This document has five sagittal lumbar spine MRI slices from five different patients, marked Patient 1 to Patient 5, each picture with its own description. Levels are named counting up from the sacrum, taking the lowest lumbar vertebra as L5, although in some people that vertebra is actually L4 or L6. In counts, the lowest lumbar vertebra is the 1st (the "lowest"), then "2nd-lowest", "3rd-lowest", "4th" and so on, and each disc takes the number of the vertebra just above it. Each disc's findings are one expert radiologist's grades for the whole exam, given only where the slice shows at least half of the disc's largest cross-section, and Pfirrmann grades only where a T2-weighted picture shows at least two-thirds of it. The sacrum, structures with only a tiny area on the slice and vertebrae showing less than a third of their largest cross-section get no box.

Patient 1 of 5:
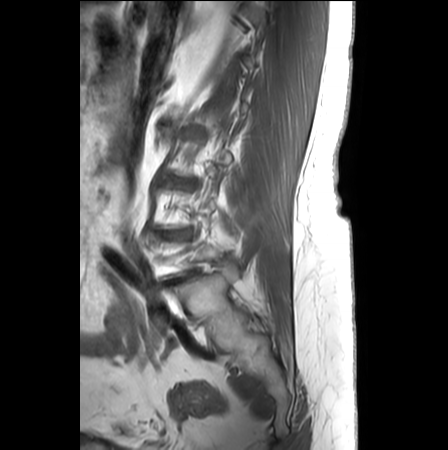

MRI lumbar spine (T1-weighted), sagittal plane. Field of view 280x281 mm.
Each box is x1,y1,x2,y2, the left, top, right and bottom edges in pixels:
IVD L5/S1 = 170,271,194,282.
IVD L4/L5 = 163,229,190,239.
IVD L3/L4 = 168,177,194,190.

Radiological gradings:
• L3/L4: lower-endplate change, disc narrowing, upper-endplate change, Modic type II, disc bulging

Patient 2 of 5:
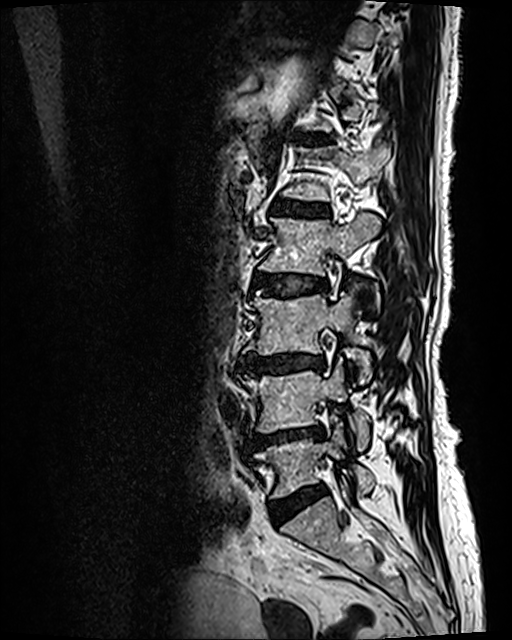 Slice 43/120 | MRI lumbar spine (T2 SPACE (3D)), sagittal plane
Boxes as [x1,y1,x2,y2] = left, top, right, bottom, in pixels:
4th vertebra: [259,215,380,275]
5th disc: [274,199,328,216]
2nd-lowest vertebra: [238,357,368,450]
4th disc: [256,273,327,295]
lowest vertebra: [256,421,374,498]
3rd-lowest disc: [239,354,324,374]
6th disc: [295,134,328,143]
lowest disc: [272,485,325,524]
3rd-lowest vertebra: [244,288,372,383]
5th vertebra: [283,145,389,200]
2nd-lowest disc: [246,427,324,450]

Per-level radiological findings:
  4th disc: Pfirrmann grade 3, disc bulging, lower-endplate change, upper-endplate change, Modic type II
  5th disc: Modic type II, upper-endplate change, lower-endplate change
  3rd-lowest disc: Pfirrmann grade 4, lower-endplate change, Modic type II, disc narrowing, upper-endplate change, disc bulging
  lowest disc: disc bulging
  2nd-lowest disc: upper-endplate change, Modic type II, disc bulging, lower-endplate change, disc narrowing

Patient 3 of 5:
Scanner: Philips Healthcare Ingenia (3T) | Field of view 320x325 mm | Sagittal T2-weighted lumbar spine MRI

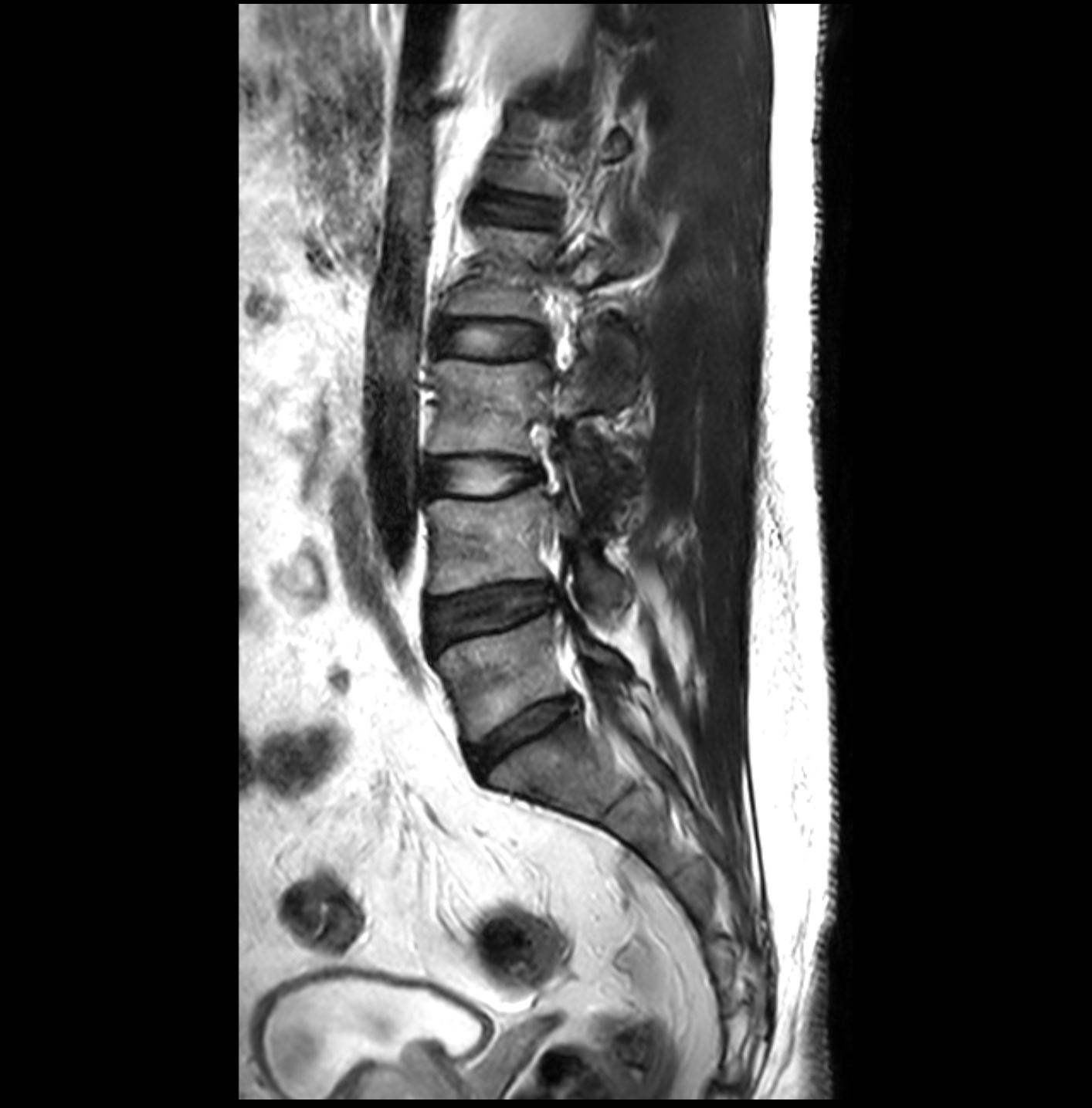 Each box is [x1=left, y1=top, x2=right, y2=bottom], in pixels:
L5: [x1=435, y1=615, x2=622, y2=744]
disc L3/L4: [x1=426, y1=459, x2=540, y2=493]
L5/S1: [x1=469, y1=696, x2=578, y2=774]
L2/L3: [x1=435, y1=322, x2=544, y2=356]
L4: [x1=428, y1=488, x2=629, y2=610]
L3: [x1=428, y1=358, x2=617, y2=502]
L2 vertebra: [x1=447, y1=227, x2=644, y2=321]
disc L4/L5: [x1=428, y1=584, x2=550, y2=647]
L1/L2: [x1=491, y1=201, x2=533, y2=222]

Degenerative findings by level:
• L5/S1: Pfirrmann grade 3
• L2/L3: Pfirrmann grade 1
• L3/L4: Pfirrmann grade 1
• L4/L5: Pfirrmann grade 3, disc herniation

Patient 4 of 5:
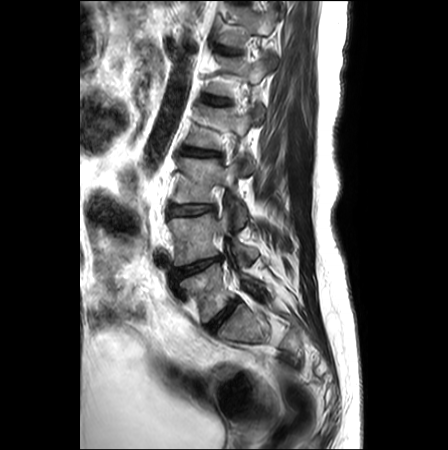 448x450 px | Slice 18/26 | Sagittal T2-weighted lumbar spine MRI

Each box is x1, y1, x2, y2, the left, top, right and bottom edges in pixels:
Structures:
- L3 (3rd-lowest vertebra): 172, 157, 247, 226
- L5/S1 (lowest disc): 206, 300, 239, 331
- T12 (6th vertebra): 219, 5, 276, 63
- L4/L5 (2nd-lowest disc): 173, 257, 220, 279
- disc L2/L3 (4th disc): 181, 148, 219, 157
- T12/L1 (6th disc): 218, 46, 237, 52
- L5 (lowest vertebra): 180, 263, 264, 322
- L4 (2nd-lowest vertebra): 168, 210, 257, 265
- disc L1/L2 (5th disc): 203, 95, 229, 104
- disc L3/L4 (3rd-lowest disc): 169, 205, 214, 215
- L1 (5th vertebra): 207, 57, 268, 117
- L2 (4th vertebra): 186, 105, 255, 172

Per-level radiological findings:
- L4/L5 (2nd-lowest disc): Pfirrmann grade 4, disc herniation, lower-endplate change, disc narrowing, Modic type II, upper-endplate change
- L3/L4 (3rd-lowest disc): Pfirrmann grade 1, disc bulging
- L2/L3 (4th disc): disc bulging
- L5/S1 (lowest disc): no Modic or endplate change, herniation, narrowing, bulging or spondylolisthesis recorded

Patient 5 of 5:
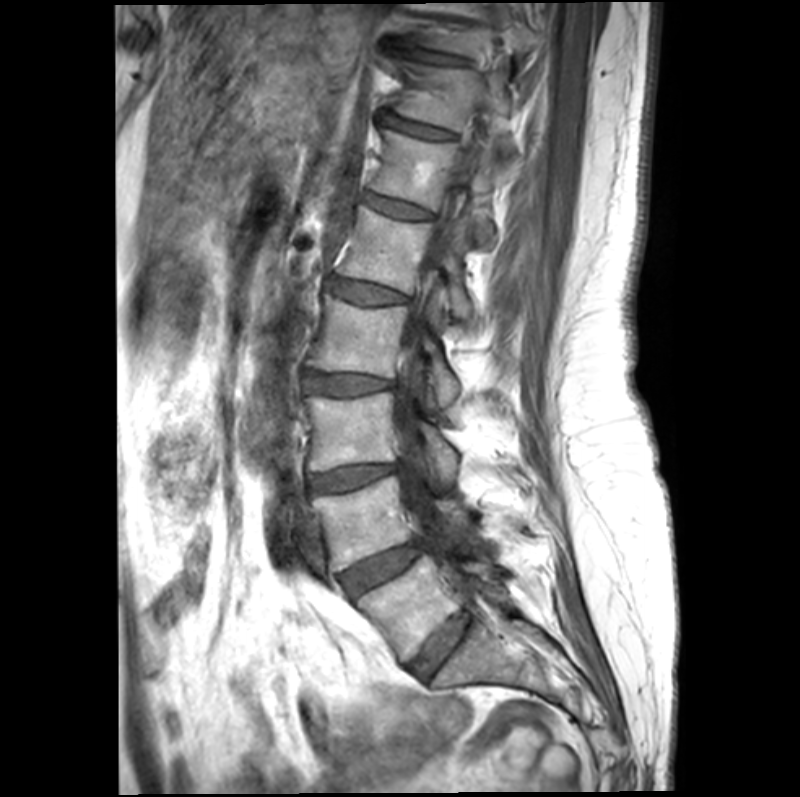 Sagittal slice index 8, MRI lumbar spine (T1-weighted), sagittal plane

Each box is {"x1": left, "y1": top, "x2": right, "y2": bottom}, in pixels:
T11/T12 = {"x1": 382, "y1": 113, "x2": 451, "y2": 140}.
Disc L5/S1 = {"x1": 408, "y1": 613, "x2": 469, "y2": 678}.
T11 vertebra = {"x1": 395, "y1": 62, "x2": 516, "y2": 151}.
Disc L4/L5 = {"x1": 341, "y1": 543, "x2": 423, "y2": 597}.
L2 = {"x1": 307, "y1": 295, "x2": 461, "y2": 408}.
Disc L3/L4 = {"x1": 309, "y1": 464, "x2": 396, "y2": 491}.
Disc T10/T11 = {"x1": 401, "y1": 43, "x2": 465, "y2": 64}.
L5 vertebra = {"x1": 358, "y1": 556, "x2": 501, "y2": 662}.
T12 vertebra = {"x1": 369, "y1": 130, "x2": 516, "y2": 243}.
L1/L2 = {"x1": 328, "y1": 277, "x2": 405, "y2": 304}.
Disc T12/L1 = {"x1": 364, "y1": 192, "x2": 431, "y2": 219}.
Spinal canal = {"x1": 397, "y1": 229, "x2": 452, "y2": 555}.
L1 vertebra = {"x1": 338, "y1": 206, "x2": 474, "y2": 321}.
L4 = {"x1": 312, "y1": 477, "x2": 477, "y2": 572}.
Disc L2/L3 = {"x1": 302, "y1": 370, "x2": 391, "y2": 394}.
L3 vertebra = {"x1": 306, "y1": 392, "x2": 457, "y2": 482}.

Expert MSK radiologist gradings (per disc):
  L4/L5: Modic type II
  L5/S1: Modic type II
  L1/L2: lower-endplate change, Modic type II, upper-endplate change
  T12/L1: Modic type II
  L2/L3: lower-endplate change, Modic type II, upper-endplate change, disc bulging
  L3/L4: lower-endplate change, Modic type II, disc bulging, disc narrowing, upper-endplate change
  T11/T12, T10/T11: no spondylolisthesis, narrowing, bulging, herniation, Modic or endplate change recorded